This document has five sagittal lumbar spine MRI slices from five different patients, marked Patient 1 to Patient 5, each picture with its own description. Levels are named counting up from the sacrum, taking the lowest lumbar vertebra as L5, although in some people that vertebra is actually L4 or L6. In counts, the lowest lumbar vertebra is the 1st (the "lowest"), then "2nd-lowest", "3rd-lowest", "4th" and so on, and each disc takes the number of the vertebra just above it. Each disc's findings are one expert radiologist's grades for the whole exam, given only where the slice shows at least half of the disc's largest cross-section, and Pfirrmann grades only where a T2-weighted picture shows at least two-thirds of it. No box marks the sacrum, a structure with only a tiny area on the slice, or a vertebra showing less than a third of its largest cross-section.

Patient 1 of 5:
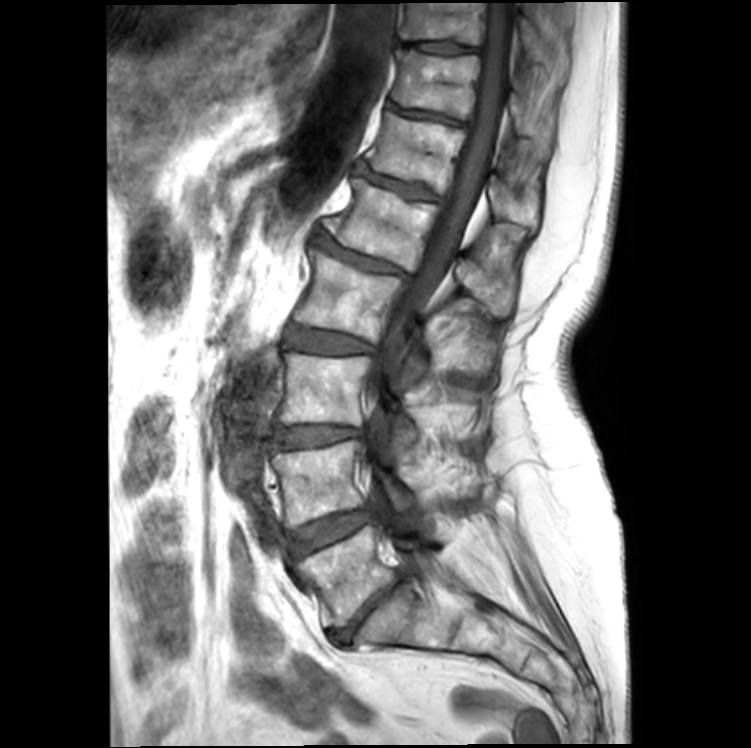 Slice 12 of 20, T1-weighted sagittal MRI of the lumbar spine, Sex F
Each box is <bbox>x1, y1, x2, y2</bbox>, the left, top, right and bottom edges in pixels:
• T12/L1 (6th disc) — <bbox>360, 166, 439, 201</bbox>
• disc T10/T11 (8th disc) — <bbox>403, 42, 478, 54</bbox>
• L1 (5th vertebra) — <bbox>327, 178, 512, 318</bbox>
• L2 (4th vertebra) — <bbox>294, 248, 426, 374</bbox>
• disc L3/L4 (3rd-lowest disc) — <bbox>275, 426, 363, 448</bbox>
• T10 (8th vertebra) — <bbox>399, 3, 570, 77</bbox>
• L3 (3rd-lowest vertebra) — <bbox>279, 351, 417, 444</bbox>
• disc L5/S1 (lowest disc) — <bbox>329, 575, 402, 644</bbox>
• T12 (6th vertebra) — <bbox>365, 112, 540, 228</bbox>
• spinal canal — <bbox>367, 3, 516, 537</bbox>
• L2/L3 (4th disc) — <bbox>285, 325, 375, 353</bbox>
• L4/L5 (2nd-lowest disc) — <bbox>291, 508, 375, 555</bbox>
• T11/T12 (7th disc) — <bbox>387, 104, 464, 125</bbox>
• L4 (2nd-lowest vertebra) — <bbox>272, 440, 470, 529</bbox>
• T11 (7th vertebra) — <bbox>392, 51, 541, 135</bbox>
• disc L1/L2 (5th disc) — <bbox>317, 237, 411, 281</bbox>
• L5 (lowest vertebra) — <bbox>295, 524, 418, 627</bbox>

Per-level radiological findings:
• T12/L1 (6th disc): Modic type II, lower-endplate change, disc narrowing, upper-endplate change
• T10/T11 (8th disc): lower-endplate change
• T11/T12 (7th disc): lower-endplate change, upper-endplate change, disc narrowing, Modic type II
• L1/L2 (5th disc): Modic type II, upper-endplate change, lower-endplate change, disc narrowing, spondylolisthesis, disc bulging
• L2/L3 (4th disc): Modic type II, disc bulging
• L3/L4 (3rd-lowest disc): disc bulging, disc narrowing, Modic type II
• L4/L5 (2nd-lowest disc): Modic type II, disc bulging
• L5/S1 (lowest disc): disc bulging, lower-endplate change, disc narrowing, upper-endplate change

Patient 2 of 5:
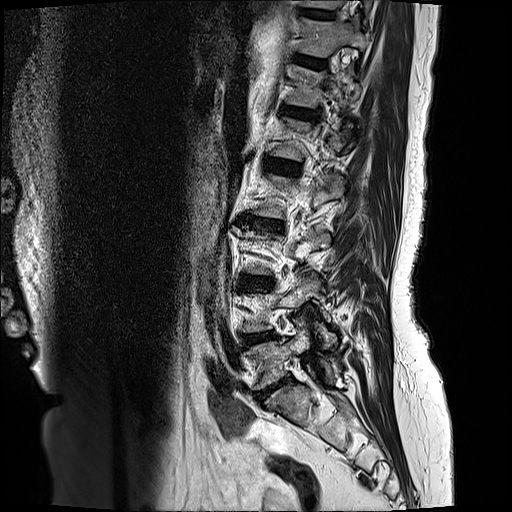

Patient sex: F; T2-weighted sagittal MRI of the lumbar spine; 512x512 px
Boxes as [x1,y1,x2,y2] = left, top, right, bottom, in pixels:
• L5/S1 at [255,375,290,401]
• L1/L2 at [264,158,302,175]
• IVD T10/T11 at [299,7,336,17]
• IVD L3/L4 at [239,276,273,285]
• T12 vertebra at [290,66,361,107]
• T10 at [301,0,373,22]
• T11/T12 at [295,55,327,66]
• IVD L4/L5 at [242,332,275,345]
• L2/L3 at [239,215,284,231]
• IVD T12/L1 at [281,106,320,120]
• L5 at [247,328,331,389]
• T11 at [299,18,366,55]

Degenerative findings by level:
• L2/L3: Pfirrmann grade 4, disc narrowing, Modic type II, lower-endplate change, disc bulging, upper-endplate change
• T12/L1: disc bulging
• L1/L2: Pfirrmann grade 2
• T11/T12, T10/T11: no spondylolisthesis, narrowing, bulging, herniation, Modic or endplate change recorded

Patient 3 of 5:
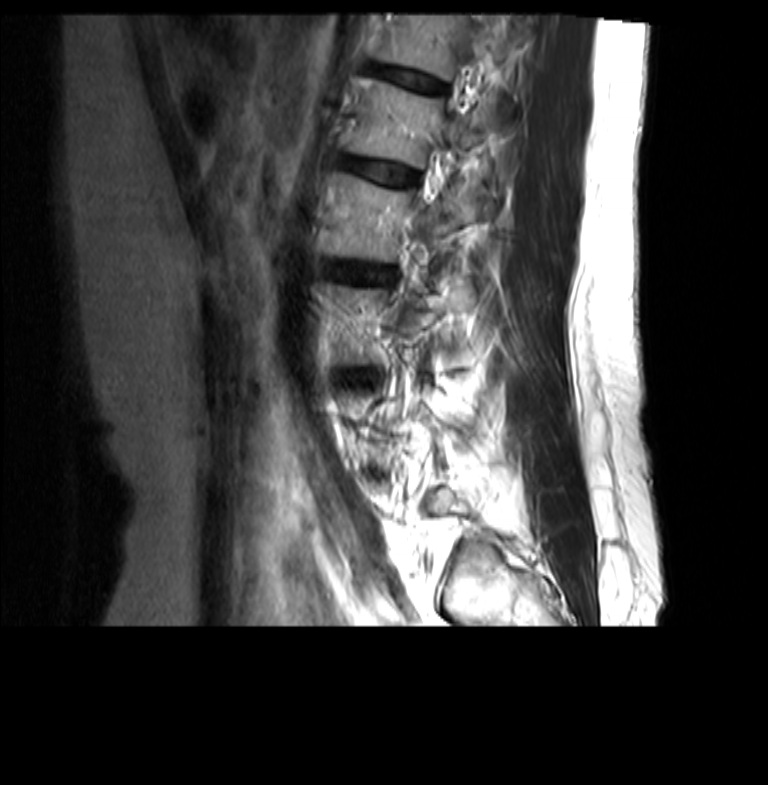

Lumbar spine MR, T2-weighted, sagittal
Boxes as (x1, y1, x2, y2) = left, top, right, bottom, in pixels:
Structures:
• 4th vertebra: (326, 172, 483, 262)
• 6th vertebra: (375, 15, 501, 80)
• 5th disc: (345, 159, 416, 186)
• 5th vertebra: (349, 78, 494, 168)
• 4th disc: (329, 263, 393, 282)
• 6th disc: (370, 66, 445, 92)

Degenerative findings by level:
  5th disc: Pfirrmann grade 2
  6th disc: Pfirrmann grade 2
  4th disc: no spondylolisthesis, narrowing, bulging, herniation, Modic or endplate change recorded

Patient 4 of 5:
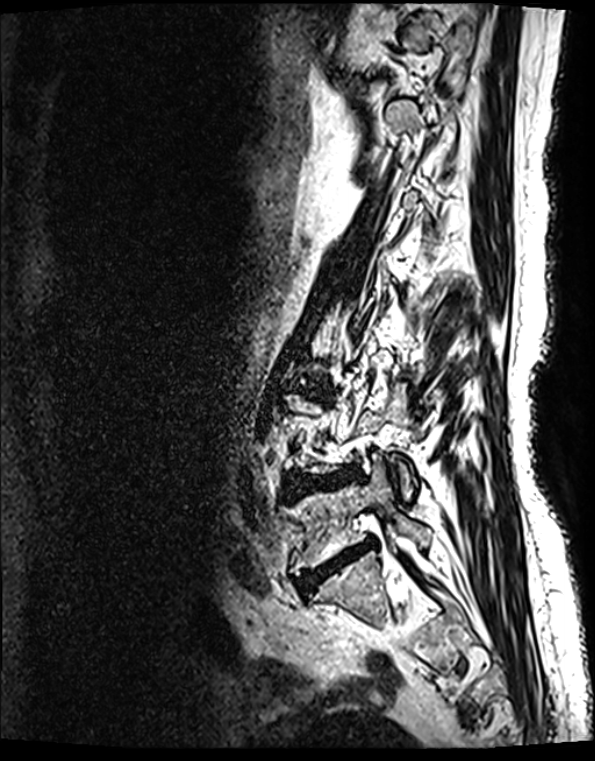 Sagittal T2 SPACE (3D) lumbar spine MRI
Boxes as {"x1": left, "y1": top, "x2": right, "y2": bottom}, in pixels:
L5/S1 — {"x1": 296, "y1": 540, "x2": 373, "y2": 593}.
L4/L5 — {"x1": 285, "y1": 471, "x2": 350, "y2": 498}.
L5 — {"x1": 283, "y1": 455, "x2": 430, "y2": 574}.

Expert MSK radiologist gradings (per disc):
• L5/S1: Pfirrmann grade 5, lower-endplate change, upper-endplate change, disc bulging, disc narrowing, Modic type II

Patient 5 of 5:
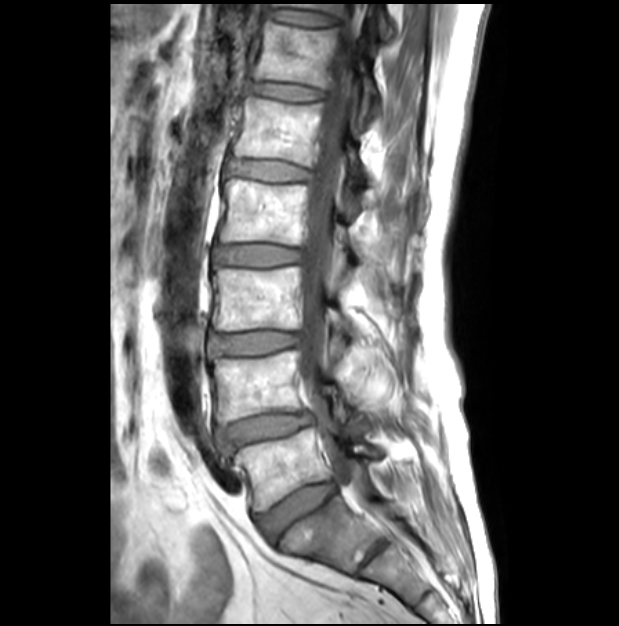
Lumbar spine MR, T1-weighted, sagittal | Image 619x626 | Slice 17/28

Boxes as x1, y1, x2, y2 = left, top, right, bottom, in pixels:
L2/L3 (4th disc) at 213, 245, 299, 266.
L1 (5th vertebra) at 232, 97, 365, 190.
Intervertebral disc T12/L1 (6th disc) at 246, 82, 321, 101.
T11 (7th vertebra) at 273, 2, 391, 39.
L3 (3rd-lowest vertebra) at 213, 267, 353, 357.
L4 (2nd-lowest vertebra) at 210, 351, 354, 426.
L5 (lowest vertebra) at 233, 428, 379, 510.
Spinal canal at 298, 29, 357, 485.
Intervertebral disc T11/T12 (7th disc) at 268, 10, 337, 25.
L1/L2 (5th disc) at 225, 159, 308, 181.
L2 (4th vertebra) at 218, 178, 408, 277.
Intervertebral disc L4/L5 (2nd-lowest disc) at 218, 412, 312, 449.
L5/S1 (lowest disc) at 258, 481, 335, 538.
L3/L4 (3rd-lowest disc) at 207, 331, 296, 359.
T12 (6th vertebra) at 250, 21, 382, 134.

Expert MSK radiologist gradings (per disc):
• L4/L5 (2nd-lowest disc): upper-endplate change, spondylolisthesis, disc bulging, lower-endplate change, disc narrowing
• L3/L4 (3rd-lowest disc), L5/S1 (lowest disc), T11/T12 (7th disc), L1/L2 (5th disc), L2/L3 (4th disc), T12/L1 (6th disc): no herniation, bulging, narrowing, spondylolisthesis, endplate or Modic change recorded